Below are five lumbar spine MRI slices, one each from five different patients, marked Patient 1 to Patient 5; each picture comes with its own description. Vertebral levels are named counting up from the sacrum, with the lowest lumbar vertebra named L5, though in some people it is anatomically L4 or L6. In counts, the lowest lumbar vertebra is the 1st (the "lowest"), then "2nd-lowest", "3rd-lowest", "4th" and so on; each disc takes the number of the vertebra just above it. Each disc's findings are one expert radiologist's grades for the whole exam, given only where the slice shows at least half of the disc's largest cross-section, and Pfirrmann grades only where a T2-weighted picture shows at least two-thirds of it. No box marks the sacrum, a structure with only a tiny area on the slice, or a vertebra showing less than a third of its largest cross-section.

Patient 1 of 5:
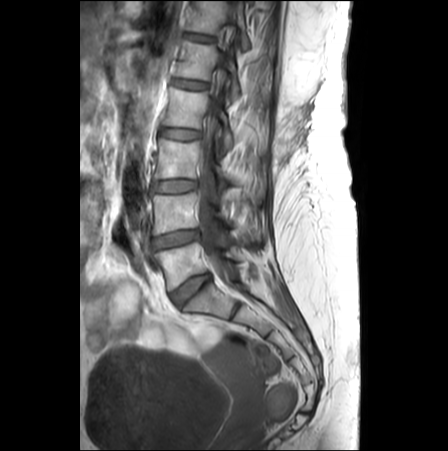
Field of view 280x282 mm, Slice 15/26, Sex F, T1-weighted sagittal MRI of the lumbar spine

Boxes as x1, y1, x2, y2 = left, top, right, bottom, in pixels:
T12: 186, 1, 250, 50.
Thecal sac / spinal canal: 198, 43, 230, 283.
L1 vertebra: 176, 39, 239, 100.
L5 vertebra: 153, 242, 239, 290.
Intervertebral disc L2/L3: 161, 128, 201, 139.
Intervertebral disc L1/L2: 173, 79, 207, 89.
L5/S1: 171, 273, 210, 304.
L4/L5: 151, 229, 199, 248.
L3/L4: 152, 180, 195, 192.
L2 vertebra: 163, 88, 234, 151.
L4: 152, 193, 260, 238.
L3: 154, 139, 264, 197.
T12/L1: 185, 33, 214, 42.

Degenerative findings by level:
• L1/L2: lower-endplate change, Modic type II, upper-endplate change
• L4/L5: disc narrowing
• T12/L1, L5/S1, L2/L3, L3/L4: no spondylolisthesis, narrowing, bulging, herniation, Modic or endplate change recorded

Patient 2 of 5:
MRI lumbar spine (T2-weighted), sagittal plane. Scanner: Philips Healthcare Ingenia (3T). Image 448x448.

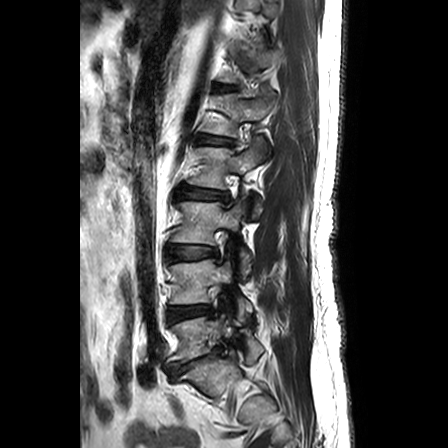

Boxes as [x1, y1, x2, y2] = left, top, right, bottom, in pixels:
L2 vertebra at [189, 137, 266, 217], L3 at [173, 199, 251, 278], L4 vertebra at [171, 243, 252, 320], L4/L5 at [169, 306, 210, 321], T12/L1 at [218, 86, 231, 90], intervertebral disc L3/L4 at [170, 246, 216, 259], intervertebral disc L5/S1 at [169, 347, 221, 375], intervertebral disc L1/L2 at [200, 136, 231, 144], L1 at [205, 92, 274, 136], intervertebral disc L2/L3 at [181, 188, 227, 201], L5 vertebra at [170, 313, 262, 363].

Expert MSK radiologist gradings (per disc):
- L1/L2: lower-endplate change, disc bulging, upper-endplate change, Modic type II
- L4/L5: disc bulging, disc narrowing
- L3/L4: Pfirrmann grade 2, disc bulging
- L5/S1: upper-endplate change, disc herniation, spondylolisthesis, Modic type II, disc bulging, lower-endplate change, disc narrowing
- L2/L3: Pfirrmann grade 3, disc bulging

Patient 3 of 5:
Sagittal T2-weighted lumbar spine MRI. Slice 11/19. Scanner: Philips Medical Systems Ingenia (1.5T). Field of view 310x309 mm.

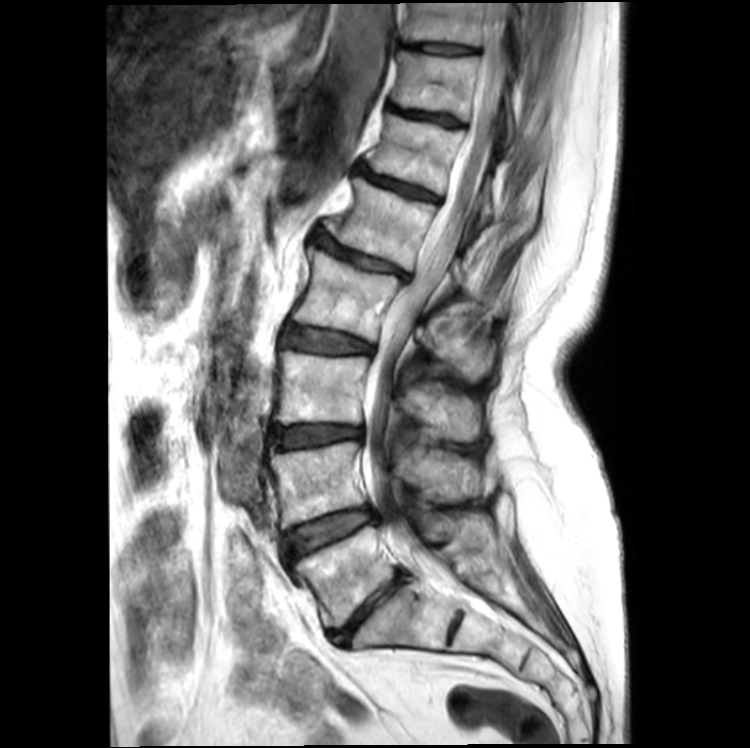
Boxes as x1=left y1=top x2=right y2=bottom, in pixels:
IVD L2/L3: x1=284 y1=324 x2=375 y2=353 | T11: x1=395 y1=51 x2=515 y2=135 | L4: x1=270 y1=441 x2=481 y2=531 | IVD L5/S1: x1=332 y1=574 x2=405 y2=644 | IVD L3/L4: x1=272 y1=424 x2=364 y2=448 | IVD T10/T11: x1=408 y1=43 x2=477 y2=54 | IVD T12/L1: x1=360 y1=171 x2=439 y2=199 | thecal sac / spinal canal: x1=364 y1=3 x2=511 y2=558 | L2 vertebra: x1=294 y1=248 x2=494 y2=377 | IVD T11/T12: x1=392 y1=104 x2=461 y2=125 | IVD L1/L2: x1=317 y1=237 x2=408 y2=277 | IVD L4/L5: x1=286 y1=508 x2=376 y2=557 | L1: x1=327 y1=178 x2=509 y2=317 | T10 vertebra: x1=406 y1=3 x2=568 y2=69 | L5 vertebra: x1=297 y1=514 x2=492 y2=627 | T12 vertebra: x1=368 y1=114 x2=492 y2=225 | L3 vertebra: x1=273 y1=350 x2=481 y2=441

Degenerative findings by level:
• T11/T12: Pfirrmann grade 4, disc narrowing, lower-endplate change, Modic type II, upper-endplate change
• T10/T11: Pfirrmann grade 2, lower-endplate change
• L2/L3: Pfirrmann grade 3, Modic type II, disc bulging
• L1/L2: Pfirrmann grade 4, disc narrowing, spondylolisthesis, Modic type II, lower-endplate change, upper-endplate change, disc bulging
• L3/L4: Pfirrmann grade 3, disc bulging, Modic type II, disc narrowing
• T12/L1: Pfirrmann grade 4, disc narrowing, upper-endplate change, Modic type II, lower-endplate change
• L4/L5: Pfirrmann grade 3, disc bulging, Modic type II
• L5/S1: Pfirrmann grade 5, disc narrowing, upper-endplate change, disc bulging, lower-endplate change

Patient 4 of 5:
Sagittal T2-weighted lumbar spine MRI 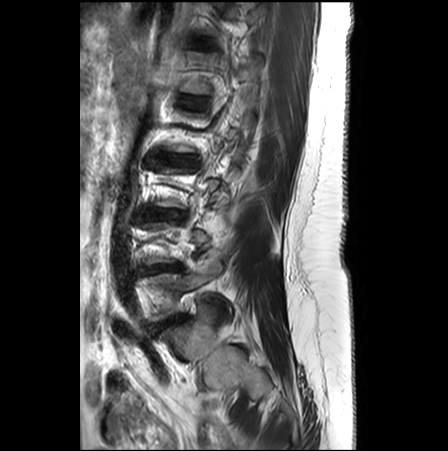 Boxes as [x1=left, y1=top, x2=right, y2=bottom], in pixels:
L5/S1 (lowest disc) at [x1=153, y1=321, x2=168, y2=330], L5 (lowest vertebra) at [x1=138, y1=261, x2=221, y2=321], L2/L3 (4th disc) at [x1=159, y1=153, x2=194, y2=165], L3/L4 (3rd-lowest disc) at [x1=155, y1=211, x2=184, y2=218], L4/L5 (2nd-lowest disc) at [x1=137, y1=263, x2=180, y2=273].

Degenerative findings by level:
- L4/L5 (2nd-lowest disc): Modic type II, upper-endplate change, disc narrowing, disc bulging

Patient 5 of 5:
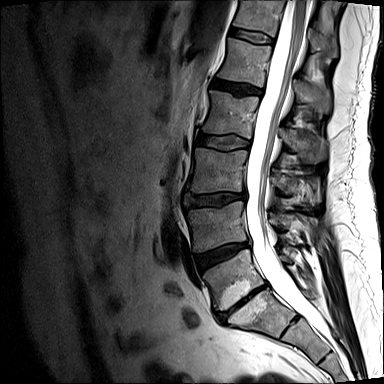 T2-weighted sagittal MRI of the lumbar spine. Field of view 280x280 mm.

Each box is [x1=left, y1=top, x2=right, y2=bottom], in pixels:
Structures:
* L2 vertebra: [x1=201, y1=90, x2=325, y2=162]
* IVD L2/L3: [x1=197, y1=134, x2=248, y2=150]
* IVD T12/L1: [x1=228, y1=28, x2=272, y2=45]
* L5/S1: [x1=218, y1=286, x2=264, y2=318]
* L1 vertebra: [x1=217, y1=38, x2=329, y2=113]
* IVD L1/L2: [x1=211, y1=79, x2=260, y2=96]
* IVD L3/L4: [x1=186, y1=193, x2=245, y2=207]
* spinal canal: [x1=245, y1=0, x2=320, y2=330]
* L3 vertebra: [x1=186, y1=148, x2=313, y2=203]
* T12 vertebra: [x1=233, y1=0, x2=336, y2=55]
* L5 vertebra: [x1=203, y1=248, x2=292, y2=309]
* IVD L4/L5: [x1=195, y1=242, x2=247, y2=270]
* L4: [x1=187, y1=202, x2=283, y2=251]

Per-level radiological findings:
• L2/L3: Pfirrmann grade 1
• L1/L2: Pfirrmann grade 4, upper-endplate change
• L3/L4: Pfirrmann grade 1, disc bulging
• T12/L1: Pfirrmann grade 2
• L5/S1: Pfirrmann grade 5, lower-endplate change, upper-endplate change, disc narrowing, Modic type II, disc bulging
• L4/L5: Pfirrmann grade 4, disc narrowing, lower-endplate change, disc bulging